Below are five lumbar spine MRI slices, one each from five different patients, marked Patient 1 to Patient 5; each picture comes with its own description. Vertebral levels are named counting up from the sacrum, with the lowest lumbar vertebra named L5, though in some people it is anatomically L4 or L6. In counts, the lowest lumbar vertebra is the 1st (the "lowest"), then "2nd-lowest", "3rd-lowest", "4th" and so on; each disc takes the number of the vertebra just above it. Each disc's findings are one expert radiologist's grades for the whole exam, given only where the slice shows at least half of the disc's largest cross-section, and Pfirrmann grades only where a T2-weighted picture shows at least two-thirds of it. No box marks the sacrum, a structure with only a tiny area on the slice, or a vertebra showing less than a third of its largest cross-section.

Patient 1 of 5:
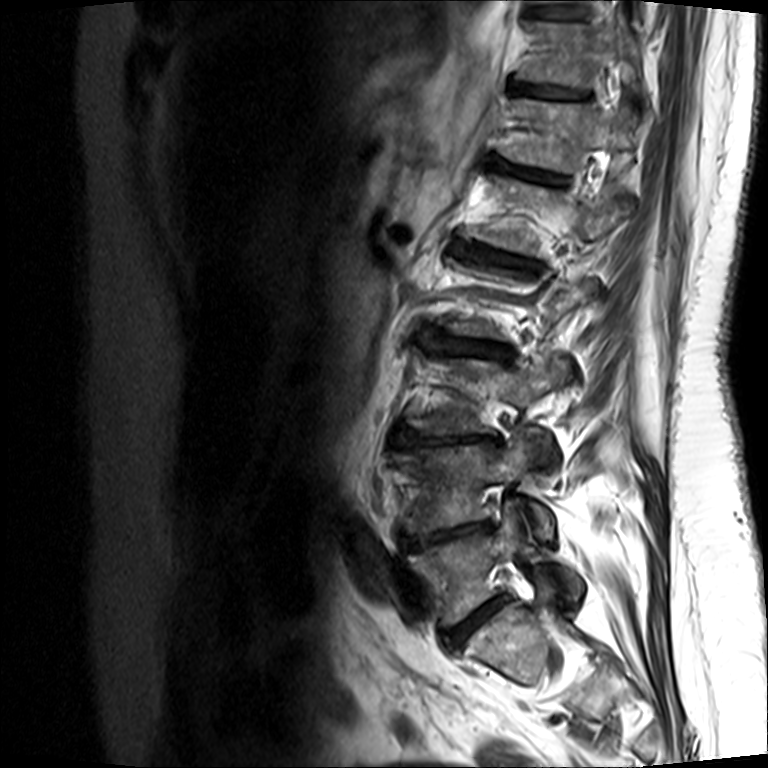 Sagittal T2-weighted lumbar spine MRI. Slice 12/15.
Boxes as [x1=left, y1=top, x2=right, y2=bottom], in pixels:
{"L1/L2": "[x1=456, y1=238, x2=537, y2=270]", "L1": "[x1=469, y1=173, x2=633, y2=255]", "disc L5/S1": "[x1=445, y1=598, x2=500, y2=647]", "T12/L1": "[x1=492, y1=157, x2=566, y2=183]", "L3/L4": "[x1=393, y1=427, x2=500, y2=446]", "L5 vertebra": "[x1=410, y1=503, x2=584, y2=624]", "L3": "[x1=408, y1=357, x2=571, y2=454]", "T11/T12": "[x1=512, y1=78, x2=589, y2=97]", "T12 vertebra": "[x1=501, y1=96, x2=640, y2=171]", "T11": "[x1=524, y1=19, x2=643, y2=87]", "disc L4/L5": "[x1=402, y1=521, x2=492, y2=550]", "L4": "[x1=395, y1=430, x2=554, y2=536]", "L2/L3": "[x1=422, y1=328, x2=512, y2=363]"}

Degenerative findings by level:
• L1/L2: Modic type II, disc bulging, disc narrowing, upper-endplate change, lower-endplate change
• T12/L1: Pfirrmann grade 5, upper-endplate change, Modic type II, lower-endplate change, disc bulging, disc narrowing
• L3/L4: upper-endplate change, Modic type II, disc herniation, disc narrowing, lower-endplate change
• T11/T12: Pfirrmann grade 3, lower-endplate change, Modic type II, disc narrowing, upper-endplate change
• L5/S1: Modic type II, disc narrowing, upper-endplate change, disc bulging, lower-endplate change
• L4/L5: Modic type II, upper-endplate change, disc narrowing, disc herniation, lower-endplate change
• L2/L3: Pfirrmann grade 3, Modic type II, disc narrowing, upper-endplate change, disc bulging, lower-endplate change

Patient 2 of 5:
Sagittal T2 SPACE (3D) lumbar spine MRI; Slice 61/120; Patient sex: M 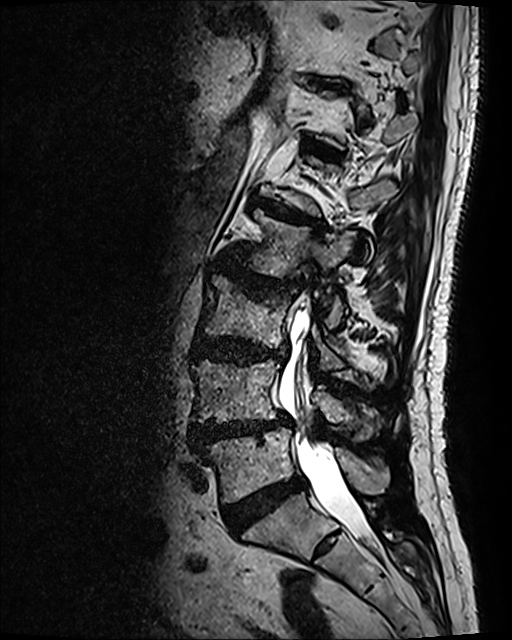

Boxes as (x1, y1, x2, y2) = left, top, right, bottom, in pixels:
L4/L5 — (191, 412, 291, 447).
T11/T12 — (314, 79, 342, 87).
L3/L4 — (193, 335, 286, 363).
Intervertebral disc L2/L3 — (218, 261, 299, 290).
L4 vertebra — (192, 358, 379, 440).
L1/L2 — (254, 198, 324, 231).
Spinal canal — (279, 312, 372, 542).
L5 — (205, 427, 390, 501).
L5/S1 — (223, 474, 306, 531).
L2 vertebra — (236, 208, 356, 327).
L3 vertebra — (200, 275, 374, 388).
T12/L1 — (306, 141, 340, 159).

Degenerative findings by level:
  L2/L3: Pfirrmann grade 4, disc bulging, disc narrowing, lower-endplate change, upper-endplate change, Modic type I
  L1/L2: lower-endplate change, disc bulging, Modic type II, upper-endplate change
  L4/L5: Pfirrmann grade 4, Modic type II, disc herniation, lower-endplate change, upper-endplate change, spondylolisthesis, disc narrowing, disc bulging
  L5/S1: Pfirrmann grade 4
  L3/L4: Pfirrmann grade 4, lower-endplate change, disc bulging, upper-endplate change

Patient 3 of 5:
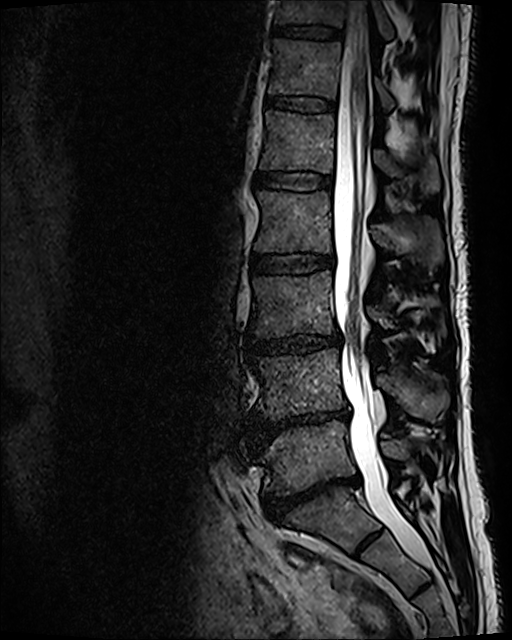
Slice 59/120, Sagittal T2 SPACE (3D) lumbar spine MRI

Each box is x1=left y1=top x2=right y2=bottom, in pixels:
Annotations:
• 4th disc: x1=252 y1=255 x2=333 y2=273
• spinal canal: x1=333 y1=1 x2=432 y2=568
• 6th disc: x1=266 y1=96 x2=334 y2=111
• 7th disc: x1=270 y1=25 x2=342 y2=39
• lowest disc: x1=262 y1=475 x2=360 y2=520
• 6th vertebra: x1=269 y1=40 x2=393 y2=106
• 2nd-lowest disc: x1=253 y1=408 x2=348 y2=443
• 5th vertebra: x1=260 y1=110 x2=439 y2=192
• 3rd-lowest vertebra: x1=251 y1=271 x2=445 y2=337
• 3rd-lowest disc: x1=248 y1=335 x2=340 y2=353
• 7th vertebra: x1=275 y1=0 x2=396 y2=42
• 4th vertebra: x1=255 y1=190 x2=443 y2=270
• 5th disc: x1=256 y1=172 x2=331 y2=190
• lowest vertebra: x1=259 y1=421 x2=443 y2=495
• 2nd-lowest vertebra: x1=253 y1=349 x2=448 y2=420

Radiological gradings:
• 2nd-lowest disc: Pfirrmann grade 5, Modic type II, disc narrowing, disc bulging, lower-endplate change
• 6th disc: Pfirrmann grade 2
• lowest disc: Pfirrmann grade 5, disc bulging, lower-endplate change, spondylolisthesis, disc narrowing
• 3rd-lowest disc: Pfirrmann grade 3, disc narrowing, disc bulging
• 7th disc: Pfirrmann grade 2
• 4th disc: Pfirrmann grade 2
• 5th disc: Pfirrmann grade 2

Patient 4 of 5:
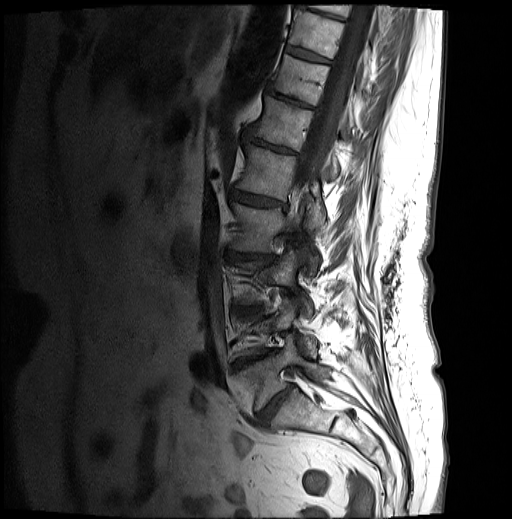 512x519 px | Lumbar spine MR, T1-weighted, sagittal

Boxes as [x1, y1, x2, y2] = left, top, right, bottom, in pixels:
{"L5": "[234, 334, 329, 410]", "intervertebral disc T9/T10": "[297, 3, 344, 19]", "T12": "[251, 96, 339, 178]", "intervertebral disc T10/T11": "[286, 47, 329, 62]", "L1/L2": "[231, 191, 284, 206]", "L1 vertebra": "[237, 144, 325, 229]", "T9": "[310, 4, 386, 31]", "intervertebral disc T12/L1": "[244, 130, 297, 154]", "T11 vertebra": "[271, 54, 353, 126]", "L3 vertebra": "[238, 249, 312, 315]", "L2 vertebra": "[232, 203, 319, 272]", "intervertebral disc L5/S1": "[258, 385, 293, 423]", "T11/T12": "[267, 86, 315, 108]", "T10": "[288, 9, 369, 75]", "intervertebral disc L4/L5": "[234, 350, 277, 368]", "thecal sac / spinal canal": "[294, 1, 374, 197]", "intervertebral disc L2/L3": "[231, 254, 273, 260]"}

Degenerative findings by level:
  L5/S1: disc bulging, disc narrowing
  T12/L1: disc narrowing, upper-endplate change, lower-endplate change, Modic type II, disc bulging
  L2/L3: disc narrowing, upper-endplate change, lower-endplate change, disc bulging, Modic type II
  L1/L2: upper-endplate change, lower-endplate change, disc narrowing, disc bulging, Modic type II
  T10/T11: upper-endplate change, lower-endplate change, Modic type II
  T9/T10: upper-endplate change, lower-endplate change, Modic type II, disc bulging
  T11/T12: disc narrowing, upper-endplate change, disc bulging, lower-endplate change, Modic type II

Patient 5 of 5:
Sagittal slice index 41, Sagittal T2 SPACE (3D) lumbar spine MRI, Slice spacing 0.9 mm 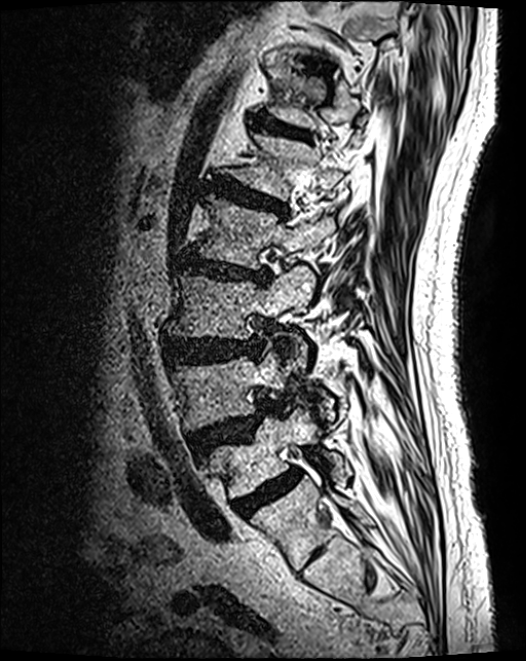 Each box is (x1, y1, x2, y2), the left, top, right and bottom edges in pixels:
Segmented structures:
• lowest disc at (234, 471, 300, 516)
• 3rd-lowest vertebra at (166, 268, 313, 365)
• 5th vertebra at (230, 135, 343, 199)
• 5th disc at (212, 180, 286, 215)
• 6th disc at (257, 119, 308, 140)
• 4th vertebra at (195, 196, 334, 270)
• 3rd-lowest disc at (164, 340, 259, 364)
• 2nd-lowest vertebra at (171, 353, 284, 431)
• 2nd-lowest disc at (189, 404, 271, 455)
• 4th disc at (179, 255, 269, 284)
• lowest vertebra at (206, 409, 345, 498)

Expert MSK radiologist gradings (per disc):
  4th disc: Pfirrmann grade 4, lower-endplate change, upper-endplate change, disc bulging, disc narrowing
  3rd-lowest disc: Pfirrmann grade 4, disc bulging
  2nd-lowest disc: Pfirrmann grade 4, disc herniation, upper-endplate change, spondylolisthesis
  5th disc: Pfirrmann grade 4, upper-endplate change, disc bulging, lower-endplate change
  lowest disc: Pfirrmann grade 4
  6th disc: no spondylolisthesis, narrowing, bulging, herniation, Modic or endplate change recorded